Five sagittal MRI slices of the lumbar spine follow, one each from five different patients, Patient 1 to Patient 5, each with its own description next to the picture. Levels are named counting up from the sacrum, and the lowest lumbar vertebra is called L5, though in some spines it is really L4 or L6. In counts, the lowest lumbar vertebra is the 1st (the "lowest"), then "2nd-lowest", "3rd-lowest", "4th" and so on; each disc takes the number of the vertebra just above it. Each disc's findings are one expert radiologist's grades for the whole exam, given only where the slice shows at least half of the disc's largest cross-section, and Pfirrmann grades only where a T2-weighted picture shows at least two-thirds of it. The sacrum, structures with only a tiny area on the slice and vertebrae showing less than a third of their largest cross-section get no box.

Patient 1 of 5:
Field of view 300x300 mm, slice spacing 3.3 mm; Slice 6 of 17; Sagittal T1-weighted lumbar spine MRI; Sex F; Image 512x512
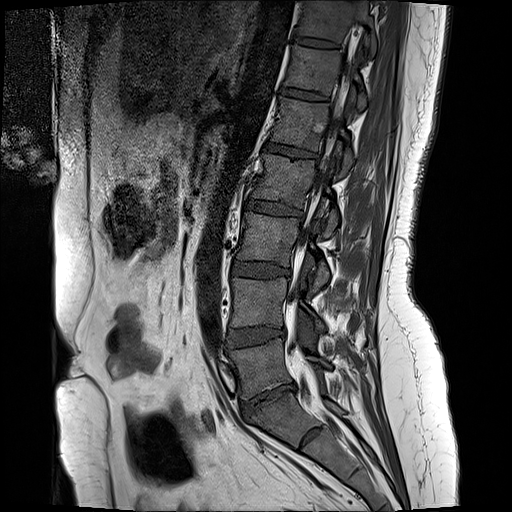

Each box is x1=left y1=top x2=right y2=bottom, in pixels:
T11/T12 at x1=293 y1=39 x2=337 y2=50, L4/L5 at x1=226 y1=329 x2=285 y2=349, T11 vertebra at x1=298 y1=2 x2=376 y2=55, thecal sac / spinal canal at x1=294 y1=51 x2=354 y2=345, T12 at x1=284 y1=47 x2=365 y2=111, L2 at x1=246 y1=154 x2=338 y2=236, IVD L2/L3 at x1=246 y1=202 x2=302 y2=219, IVD L1/L2 at x1=266 y1=144 x2=314 y2=158, L1 at x1=271 y1=99 x2=353 y2=174, IVD L3/L4 at x1=232 y1=264 x2=290 y2=278, L3 vertebra at x1=237 y1=212 x2=329 y2=292, L5 at x1=230 y1=340 x2=331 y2=398, IVD T12/L1 at x1=279 y1=89 x2=327 y2=102, L4 at x1=232 y1=279 x2=325 y2=331, IVD L5/S1 at x1=241 y1=386 x2=295 y2=418.

Radiological gradings:
• L1/L2: lower-endplate change, upper-endplate change
• L4/L5: disc bulging
• L3/L4: disc bulging
• T12/L1: lower-endplate change, upper-endplate change
• L5/S1: disc narrowing, disc herniation, disc bulging
• L2/L3: upper-endplate change, lower-endplate change, disc bulging
• T11/T12: no spondylolisthesis, narrowing, bulging, herniation, Modic or endplate change recorded

Patient 2 of 5:
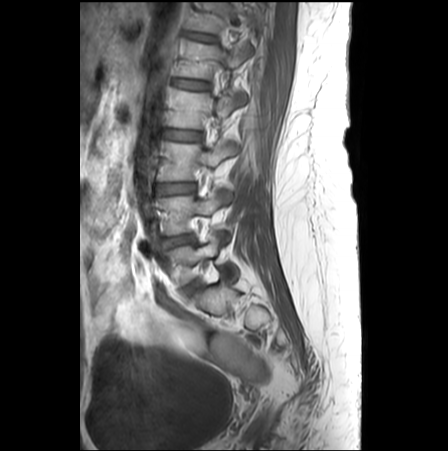

Field of view 280x282 mm. Sagittal T1-weighted lumbar spine MRI. Sex F.
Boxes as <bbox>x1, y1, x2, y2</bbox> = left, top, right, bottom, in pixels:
L3 at <bbox>159, 140, 237, 180</bbox>, L5 at <bbox>167, 230, 238, 284</bbox>, L1/L2 at <bbox>173, 79, 208, 89</bbox>, L5/S1 at <bbox>183, 280, 199, 293</bbox>, L4/L5 at <bbox>160, 236, 193, 246</bbox>, L4 vertebra at <bbox>158, 190, 230, 235</bbox>, L1 at <bbox>177, 39, 251, 99</bbox>, intervertebral disc L3/L4 at <bbox>157, 183, 195, 194</bbox>, L2 vertebra at <bbox>168, 88, 236, 128</bbox>, intervertebral disc L2/L3 at <bbox>163, 129, 201, 140</bbox>, intervertebral disc T12/L1 at <bbox>186, 33, 215, 42</bbox>.

Expert MSK radiologist gradings (per disc):
• L1/L2: lower-endplate change, Modic type II, upper-endplate change
• T12/L1, L3/L4, L2/L3: no Modic or endplate change, herniation, narrowing, bulging or spondylolisthesis recorded

Patient 3 of 5:
T2-weighted sagittal MRI of the lumbar spine, Field of view 280x281 mm, Slice 6 of 16, Scanner: SIEMENS SymphonyTim (1.5T)
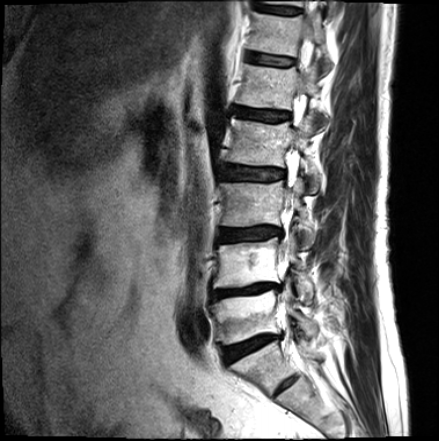
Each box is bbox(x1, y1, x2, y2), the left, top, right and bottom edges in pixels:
5th vertebra at bbox(236, 63, 326, 124); lowest vertebra at bbox(211, 276, 316, 344); 2nd-lowest disc at bbox(211, 283, 279, 300); lowest disc at bbox(222, 334, 281, 362); 4th disc at bbox(220, 164, 284, 180); 6th vertebra at bbox(248, 11, 330, 71); 6th disc at bbox(247, 52, 293, 65); 7th disc at bbox(255, 3, 299, 13); 2nd-lowest vertebra at bbox(213, 232, 313, 303); 5th disc at bbox(233, 106, 287, 121); 4th vertebra at bbox(227, 113, 319, 192); 3rd-lowest vertebra at bbox(220, 179, 315, 247); 3rd-lowest disc at bbox(218, 227, 279, 241).

Per-level radiological findings:
• 6th disc: Pfirrmann grade 2, upper-endplate change, lower-endplate change
• 3rd-lowest disc: Pfirrmann grade 3, lower-endplate change, upper-endplate change, disc bulging
• 5th disc: Pfirrmann grade 3, upper-endplate change, lower-endplate change
• 7th disc: Pfirrmann grade 3
• 4th disc: Pfirrmann grade 3, upper-endplate change, lower-endplate change
• lowest disc: Pfirrmann grade 4, disc narrowing, disc bulging, lower-endplate change, upper-endplate change, Modic type II
• 2nd-lowest disc: Pfirrmann grade 5, disc narrowing, Modic type II, upper-endplate change, disc bulging, lower-endplate change

Patient 4 of 5:
Sex F | Scanner: SIEMENS Avanto_fit (1.5T) | Slice 80 of 120 | Sagittal T2 SPACE (3D) lumbar spine MRI
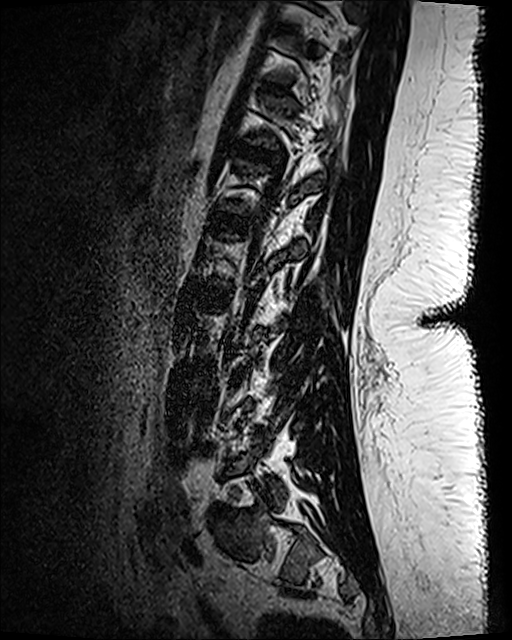

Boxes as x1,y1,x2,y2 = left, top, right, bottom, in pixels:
Intervertebral disc L1/L2 — 213,213,245,227.
Intervertebral disc L2/L3 — 199,288,230,303.
T12/L1 — 231,140,272,162.
T11/T12 — 264,82,287,94.

Per-level radiological findings:
  T12/L1: no spondylolisthesis, narrowing, bulging, herniation, Modic or endplate change recorded

Patient 5 of 5:
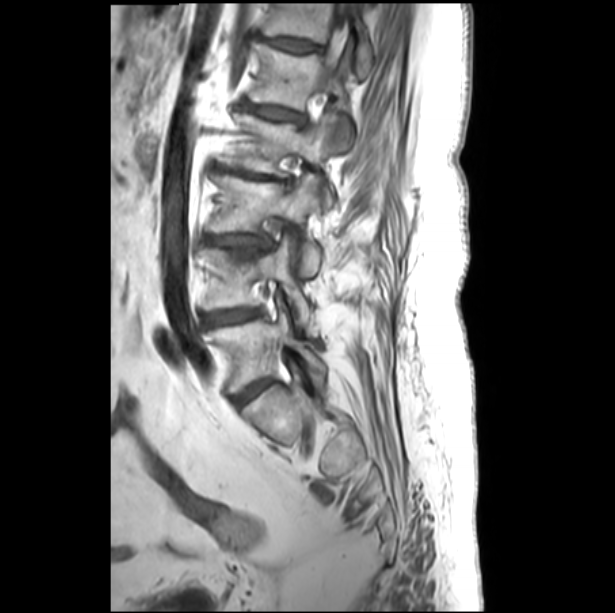 T1-weighted sagittal MRI of the lumbar spine. Slice spacing 3.3 mm. Image 615x613.
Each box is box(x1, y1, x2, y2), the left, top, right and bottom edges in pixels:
T12/L1 at box(264, 38, 320, 52); L1 at box(249, 42, 354, 151); L4 at box(200, 239, 312, 332); disc L5/S1 at box(235, 379, 271, 403); disc L2/L3 at box(215, 162, 291, 183); disc L4/L5 at box(202, 309, 260, 327); T12 at box(263, 3, 372, 79); thecal sac / spinal canal at box(325, 3, 355, 83); disc L3/L4 at box(204, 234, 269, 248); L3 vertebra at box(207, 174, 321, 278); L5 vertebra at box(203, 309, 325, 392); L1/L2 at box(247, 104, 301, 119); L2 at box(220, 114, 338, 208).

Expert MSK radiologist gradings (per disc):
  T12/L1: Modic type II, disc bulging, upper-endplate change, lower-endplate change
  L4/L5: disc bulging
  L1/L2: lower-endplate change, disc bulging, upper-endplate change, Modic type II
  L3/L4: lower-endplate change, disc bulging, upper-endplate change, Modic type II, disc narrowing